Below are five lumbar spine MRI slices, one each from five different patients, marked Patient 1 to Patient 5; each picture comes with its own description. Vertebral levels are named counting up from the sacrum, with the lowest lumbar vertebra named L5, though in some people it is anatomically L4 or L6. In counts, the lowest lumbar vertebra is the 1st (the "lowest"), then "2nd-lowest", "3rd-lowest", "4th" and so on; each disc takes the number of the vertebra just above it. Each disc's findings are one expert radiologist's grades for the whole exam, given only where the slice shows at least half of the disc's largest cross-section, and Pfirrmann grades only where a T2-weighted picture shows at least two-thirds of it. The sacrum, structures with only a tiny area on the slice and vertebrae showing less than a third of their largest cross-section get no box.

Patient 1 of 5:
Scanner: SIEMENS Avanto_fit (1.5T) | Lumbar spine MR, T2 SPACE (3D), sagittal | Sagittal slice index 60
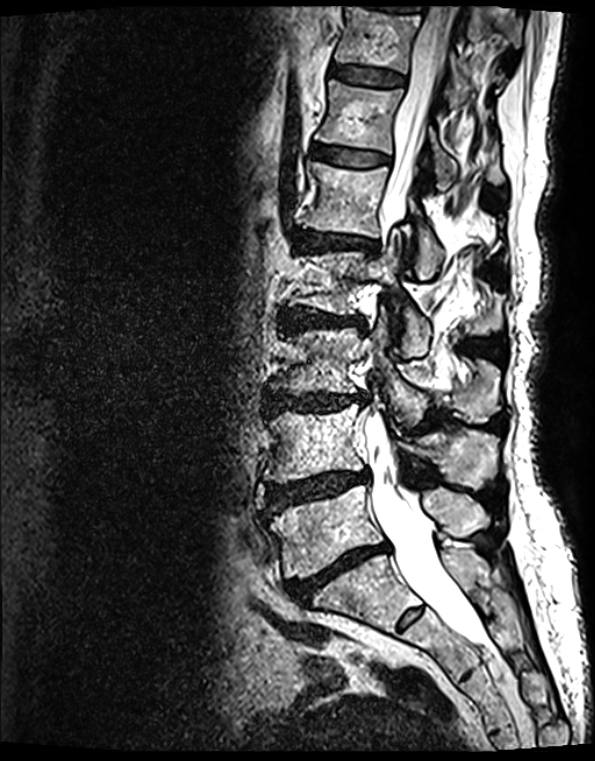
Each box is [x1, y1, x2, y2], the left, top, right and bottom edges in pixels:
disc L1/L2 = [295, 232, 371, 249] | L3 vertebra = [271, 315, 499, 421] | disc T12/L1 = [313, 146, 385, 167] | disc L5/S1 = [288, 544, 385, 603] | L5 vertebra = [271, 485, 491, 578] | thecal sac / spinal canal = [369, 7, 477, 641] | L2/L3 = [283, 310, 357, 327] | L3/L4 = [265, 392, 363, 412] | disc T11/T12 = [330, 66, 402, 88] | L4/L5 = [267, 471, 368, 510] | L1 = [303, 163, 442, 279] | L4 vertebra = [265, 404, 495, 488] | L2 vertebra = [291, 232, 500, 357] | T12 vertebra = [316, 82, 501, 190] | T11 vertebra = [335, 7, 501, 103]

Radiological gradings:
- T12/L1: Pfirrmann grade 2, lower-endplate change, upper-endplate change, Modic type II
- L4/L5: Pfirrmann grade 4, disc bulging, Modic type II, upper-endplate change, disc herniation, lower-endplate change, disc narrowing
- L2/L3: Modic type II, upper-endplate change, lower-endplate change, disc bulging, disc narrowing
- L1/L2: Pfirrmann grade 4, lower-endplate change, Modic type II, disc narrowing, disc bulging, upper-endplate change
- T11/T12: Pfirrmann grade 2, upper-endplate change, lower-endplate change, Modic type II
- L3/L4: Pfirrmann grade 4, upper-endplate change, Modic type II, disc bulging, lower-endplate change, disc narrowing
- L5/S1: Pfirrmann grade 5, lower-endplate change, Modic type II, disc narrowing, disc bulging, upper-endplate change

Patient 2 of 5:
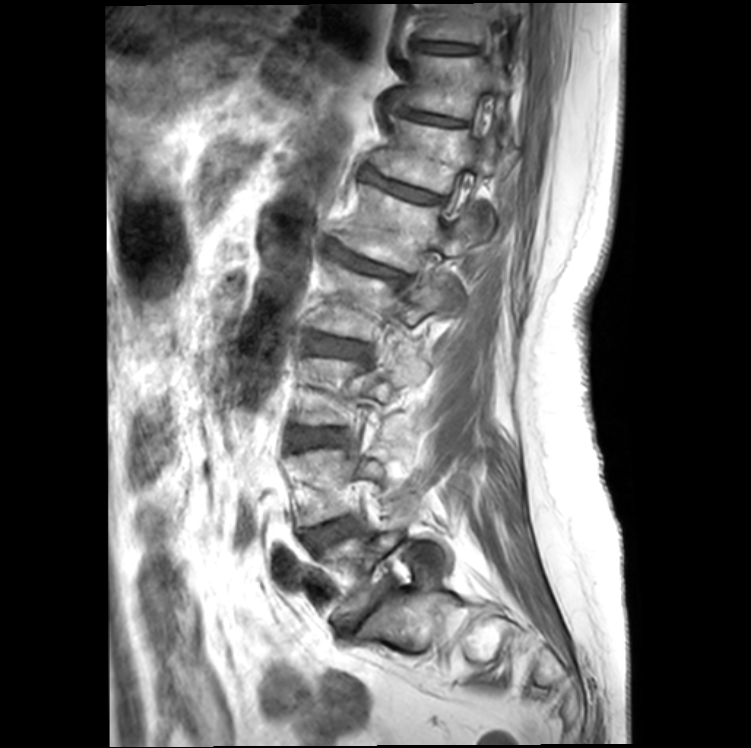
Lumbar spine MR, T1-weighted, sagittal. Slice 15/20. Patient sex: F. Image 751x748. Field of view 310x309 mm.
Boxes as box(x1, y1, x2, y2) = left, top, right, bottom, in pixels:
Annotations:
- 6th vertebra at box(371, 119, 494, 237)
- 4th disc at box(305, 332, 364, 356)
- 3rd-lowest vertebra at box(294, 357, 426, 425)
- 7th disc at box(399, 109, 465, 125)
- 3rd-lowest disc at box(289, 428, 344, 447)
- 2nd-lowest disc at box(304, 517, 359, 550)
- spinal canal at box(444, 221, 452, 234)
- lowest disc at box(341, 591, 388, 635)
- 5th vertebra at box(342, 184, 478, 271)
- 8th vertebra at box(418, 3, 518, 42)
- 8th disc at box(414, 42, 477, 53)
- 5th disc at box(329, 245, 408, 281)
- lowest vertebra at box(320, 526, 402, 622)
- 7th vertebra at box(402, 53, 511, 118)
- 6th disc at box(364, 171, 443, 202)
- 4th vertebra at box(310, 261, 461, 340)

Degenerative findings by level:
- 8th disc: lower-endplate change
- 7th disc: Modic type II, disc narrowing, lower-endplate change, upper-endplate change
- 3rd-lowest disc: disc narrowing, disc bulging, Modic type II
- 2nd-lowest disc: Modic type II, disc bulging
- 5th disc: spondylolisthesis, upper-endplate change, Modic type II, lower-endplate change, disc narrowing, disc bulging
- 4th disc: Modic type II, disc bulging
- 6th disc: upper-endplate change, lower-endplate change, disc narrowing, Modic type II

Patient 3 of 5:
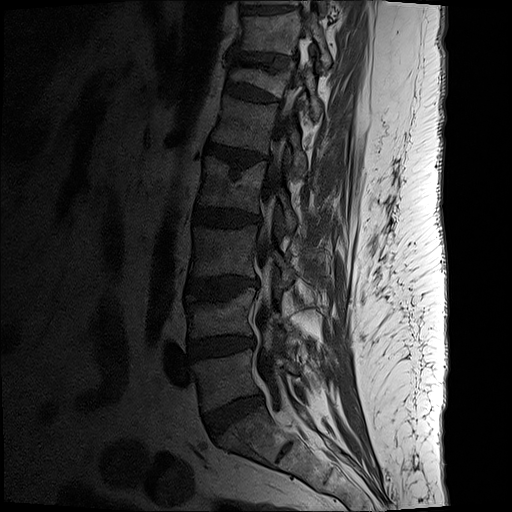 Field of view 300x300 mm, slice spacing 3.3 mm, MRI lumbar spine (T1-weighted), sagittal plane, Image 512x512
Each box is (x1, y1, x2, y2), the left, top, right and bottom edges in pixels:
{"L4 (2nd-lowest vertebra)": "(186, 288, 294, 338)", "thecal sac / spinal canal": "(254, 85, 301, 408)", "T11 (7th vertebra)": "(240, 12, 330, 67)", "disc L3/L4 (3rd-lowest disc)": "(187, 277, 257, 299)", "L2 (4th vertebra)": "(198, 159, 296, 232)", "disc T12/L1 (6th disc)": "(226, 83, 277, 103)", "L5/S1 (lowest disc)": "(205, 392, 263, 435)", "L5 (lowest vertebra)": "(193, 350, 324, 411)", "L2/L3 (4th disc)": "(194, 208, 259, 228)", "L1/L2 (5th disc)": "(206, 145, 257, 170)", "disc L4/L5 (2nd-lowest disc)": "(189, 337, 249, 358)", "T11/T12 (7th disc)": "(234, 55, 289, 70)", "T12 (6th vertebra)": "(230, 62, 321, 119)", "T10/T11 (8th disc)": "(243, 8, 291, 15)", "L1 (5th vertebra)": "(212, 97, 306, 178)", "L3 (3rd-lowest vertebra)": "(191, 225, 294, 288)"}

Expert MSK radiologist gradings (per disc):
- L1/L2 (5th disc): disc narrowing, disc bulging, Modic type II, lower-endplate change, upper-endplate change
- L2/L3 (4th disc): lower-endplate change, disc bulging
- L4/L5 (2nd-lowest disc): disc narrowing, disc bulging
- L3/L4 (3rd-lowest disc): Modic type II, upper-endplate change, disc bulging, lower-endplate change
- T12/L1 (6th disc): lower-endplate change, disc bulging, upper-endplate change, spondylolisthesis
- T11/T12 (7th disc): disc bulging, lower-endplate change, disc narrowing, upper-endplate change
- L5/S1 (lowest disc): disc bulging

Patient 4 of 5:
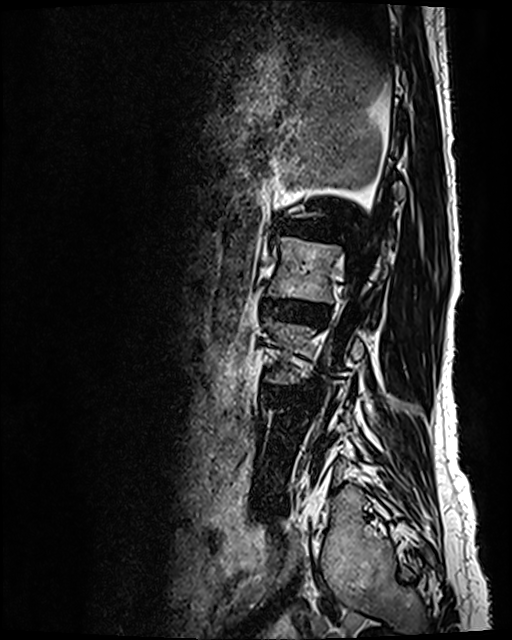

Sex F | Lumbar spine MR, T2 SPACE (3D), sagittal

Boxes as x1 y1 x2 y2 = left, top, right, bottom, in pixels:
{"5th disc": "282 220 334 238", "4th disc": "263 299 328 321", "3rd-lowest disc": "267 388 297 392", "4th vertebra": "267 237 388 302"}

Expert MSK radiologist gradings (per disc):
- 4th disc: Pfirrmann grade 3, disc narrowing, disc bulging
- 5th disc: Pfirrmann grade 5, Modic type II, disc bulging, upper-endplate change, disc narrowing, lower-endplate change

Patient 5 of 5:
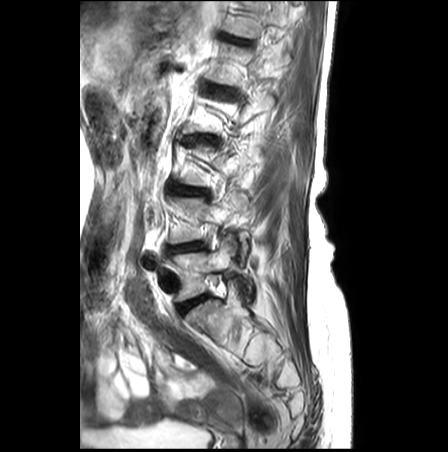

MRI lumbar spine (T2-weighted), sagittal plane. Sagittal slice index 20.

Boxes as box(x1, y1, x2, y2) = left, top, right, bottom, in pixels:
T12 (6th vertebra): box(223, 1, 290, 38) | L1 (5th vertebra): box(205, 44, 278, 85) | L1/L2 (5th disc): box(208, 86, 233, 98) | L5/S1 (lowest disc): box(178, 295, 208, 314) | L3/L4 (3rd-lowest disc): box(177, 188, 203, 194) | L4 (2nd-lowest vertebra): box(167, 191, 249, 265) | T12/L1 (6th disc): box(222, 33, 250, 45) | intervertebral disc L4/L5 (2nd-lowest disc): box(165, 242, 205, 254) | L5 (lowest vertebra): box(168, 234, 251, 301) | intervertebral disc L2/L3 (4th disc): box(186, 136, 217, 144)

Degenerative findings by level:
- T12/L1 (6th disc): Pfirrmann grade 3, upper-endplate change, lower-endplate change
- L2/L3 (4th disc): Pfirrmann grade 3, disc narrowing, upper-endplate change, lower-endplate change, disc bulging, Modic type II
- L1/L2 (5th disc): Pfirrmann grade 3, upper-endplate change, lower-endplate change, disc bulging
- L4/L5 (2nd-lowest disc): upper-endplate change, lower-endplate change, disc bulging, disc narrowing, Modic type II